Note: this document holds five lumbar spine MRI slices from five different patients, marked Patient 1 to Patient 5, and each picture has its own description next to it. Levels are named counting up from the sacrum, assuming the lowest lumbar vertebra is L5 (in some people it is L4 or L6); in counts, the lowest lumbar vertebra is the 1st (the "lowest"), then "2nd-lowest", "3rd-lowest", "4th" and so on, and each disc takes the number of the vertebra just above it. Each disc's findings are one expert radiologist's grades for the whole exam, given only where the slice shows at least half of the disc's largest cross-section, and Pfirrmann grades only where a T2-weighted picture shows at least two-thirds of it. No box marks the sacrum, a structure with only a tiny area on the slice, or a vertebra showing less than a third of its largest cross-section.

Patient 1 of 5:
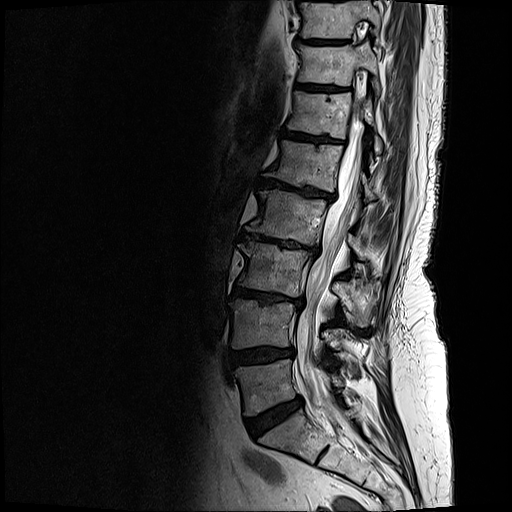

MRI lumbar spine (T2-weighted), sagittal plane | Field of view 300x300 mm, slice spacing 3.3 mm | Sex F
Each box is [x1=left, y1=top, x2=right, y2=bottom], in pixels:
Segmented structures:
* intervertebral disc L3/L4 at [x1=232, y1=286, x2=302, y2=306]
* intervertebral disc L1/L2 at [x1=257, y1=179, x2=333, y2=200]
* intervertebral disc L5/S1 at [x1=246, y1=398, x2=302, y2=438]
* intervertebral disc L2/L3 at [x1=241, y1=233, x2=317, y2=251]
* L5 at [x1=234, y1=359, x2=342, y2=416]
* L4 at [x1=229, y1=299, x2=339, y2=348]
* intervertebral disc T10/T11 at [x1=298, y1=39, x2=345, y2=44]
* T11 at [x1=298, y1=43, x2=378, y2=90]
* L2 vertebra at [x1=246, y1=189, x2=363, y2=258]
* T11/T12 at [x1=296, y1=85, x2=335, y2=91]
* T10 at [x1=302, y1=0, x2=379, y2=38]
* thecal sac / spinal canal at [x1=295, y1=105, x2=363, y2=428]
* L1 at [x1=263, y1=140, x2=376, y2=199]
* T12 at [x1=286, y1=91, x2=381, y2=153]
* L3 at [x1=238, y1=242, x2=365, y2=325]
* T12/L1 at [x1=282, y1=130, x2=337, y2=142]
* intervertebral disc L4/L5 at [x1=228, y1=347, x2=293, y2=368]

Per-level radiological findings:
• T10/T11: Pfirrmann grade 4, upper-endplate change, lower-endplate change
• L5/S1: Pfirrmann grade 4, disc bulging
• L4/L5: Pfirrmann grade 4, disc bulging, lower-endplate change, upper-endplate change
• L1/L2: Pfirrmann grade 5, disc narrowing, upper-endplate change, Modic type II, lower-endplate change, disc bulging
• T11/T12: Pfirrmann grade 4, upper-endplate change, lower-endplate change
• L3/L4: Pfirrmann grade 5, lower-endplate change, disc bulging, disc narrowing, Modic type II, upper-endplate change
• T12/L1: Pfirrmann grade 4, Modic type II, lower-endplate change, upper-endplate change

Patient 2 of 5:
MRI lumbar spine (T2 SPACE (3D)), sagittal plane; Image 512x640; Sagittal slice index 34

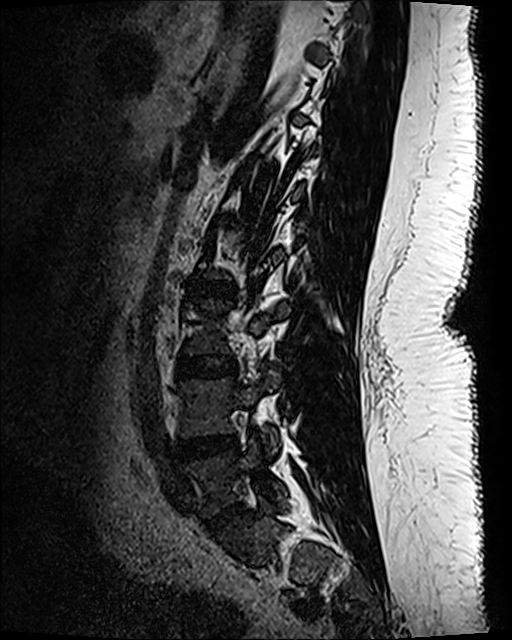

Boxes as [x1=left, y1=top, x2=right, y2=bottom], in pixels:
Structures:
• L5 vertebra — [x1=186, y1=439, x2=285, y2=515]
• L4 — [x1=180, y1=371, x2=279, y2=452]
• L3/L4 — [x1=178, y1=355, x2=235, y2=377]
• L2/L3 — [x1=188, y1=278, x2=235, y2=299]
• L3 vertebra — [x1=185, y1=299, x2=290, y2=354]
• disc L4/L5 — [x1=179, y1=435, x2=235, y2=461]
• disc L5/S1 — [x1=206, y1=502, x2=240, y2=528]

Radiological gradings:
  L4/L5: disc narrowing, disc bulging
  L3/L4: no spondylolisthesis, narrowing, bulging, herniation, Modic or endplate change recorded

Patient 3 of 5:
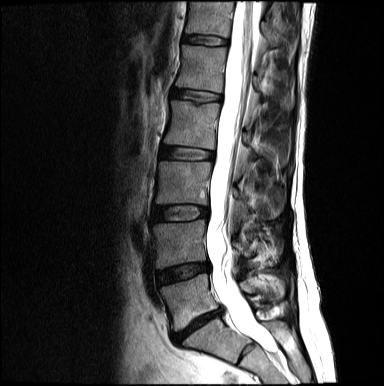 MRI lumbar spine (T2-weighted), sagittal plane

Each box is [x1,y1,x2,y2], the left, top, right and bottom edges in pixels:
Spinal canal at [206,1,275,351].
T12 at [186,2,296,52].
L1 at [175,45,292,104].
L4/L5 at [158,263,209,284].
L4 vertebra at [153,220,250,267].
L3/L4 at [153,206,208,221].
L3 at [156,162,279,219].
L1/L2 at [171,89,221,101].
L2 vertebra at [164,100,281,163].
Disc L2/L3 at [160,145,214,160].
Disc T12/L1 at [183,35,227,45].
L5/S1 at [173,310,222,342].
L5 at [161,274,282,330].

Per-level radiological findings:
  T12/L1: Pfirrmann grade 2
  L4/L5: Pfirrmann grade 4, disc narrowing, disc bulging
  L3/L4: Pfirrmann grade 2
  L2/L3: Pfirrmann grade 2
  L5/S1: Pfirrmann grade 5, lower-endplate change, disc herniation, disc narrowing
  L1/L2: Pfirrmann grade 2, upper-endplate change

Patient 4 of 5:
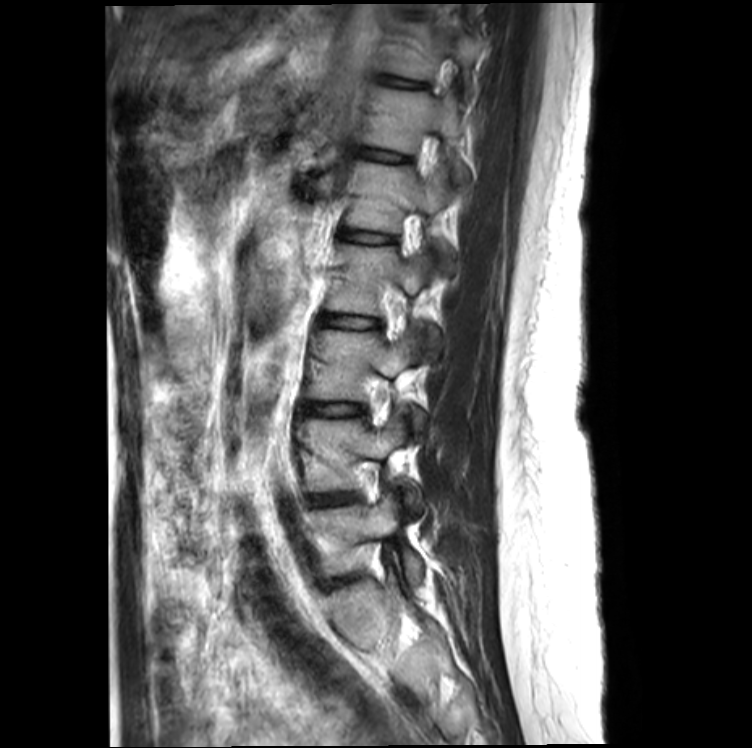
Sex F, Sagittal T2-weighted lumbar spine MRI, Slice 15 of 20, Image 752x748
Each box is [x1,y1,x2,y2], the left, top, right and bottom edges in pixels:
5th disc at [341,229,395,243], 5th vertebra at [345,159,454,269], lowest vertebra at [309,494,423,585], 7th vertebra at [382,23,476,79], 2nd-lowest disc at [309,492,353,505], 4th disc at [320,314,379,329], 2nd-lowest vertebra at [298,412,416,503], 3rd-lowest vertebra at [307,327,425,428], 3rd-lowest disc at [303,402,363,415], 6th vertebra at [361,87,468,181], 7th disc at [383,77,426,88], 4th vertebra at [327,244,439,348], 6th disc at [359,148,407,162].

Expert MSK radiologist gradings (per disc):
• 3rd-lowest disc: Pfirrmann grade 2
• 4th disc: Pfirrmann grade 2
• 5th disc, 6th disc: no Modic or endplate change, herniation, narrowing, bulging or spondylolisthesis recorded

Patient 5 of 5:
Image 512x640. MRI lumbar spine (T2 SPACE (3D)), sagittal plane.
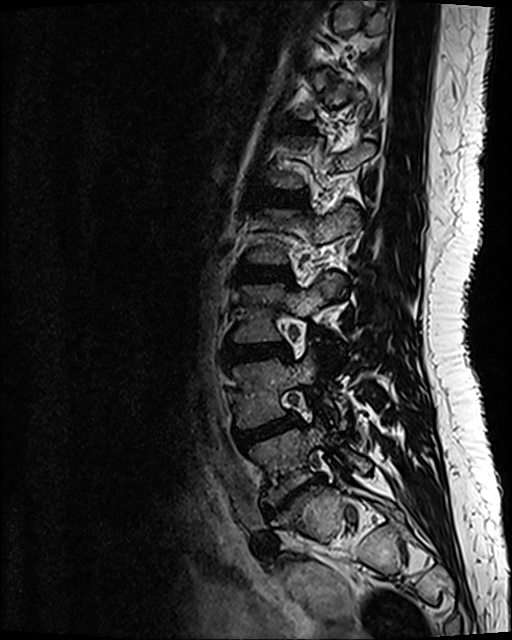 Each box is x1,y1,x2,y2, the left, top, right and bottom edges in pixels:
Annotations:
* L2: 249,204,358,262
* disc T12/L1: 286,121,308,131
* disc L4/L5: 234,413,297,447
* L1/L2: 254,189,306,206
* L5/S1: 263,475,323,517
* L3 vertebra: 233,274,337,341
* L3/L4: 225,343,289,361
* L4 vertebra: 233,354,315,426
* L2/L3: 237,265,289,280
* L5 vertebra: 251,425,370,503

Expert MSK radiologist gradings (per disc):
• L4/L5: disc bulging
• L5/S1: lower-endplate change, upper-endplate change, disc herniation, Modic type III, disc bulging, disc narrowing
• L1/L2: Pfirrmann grade 2
• L3/L4: disc bulging
• L2/L3: no herniation, bulging, narrowing, spondylolisthesis, endplate or Modic change recorded